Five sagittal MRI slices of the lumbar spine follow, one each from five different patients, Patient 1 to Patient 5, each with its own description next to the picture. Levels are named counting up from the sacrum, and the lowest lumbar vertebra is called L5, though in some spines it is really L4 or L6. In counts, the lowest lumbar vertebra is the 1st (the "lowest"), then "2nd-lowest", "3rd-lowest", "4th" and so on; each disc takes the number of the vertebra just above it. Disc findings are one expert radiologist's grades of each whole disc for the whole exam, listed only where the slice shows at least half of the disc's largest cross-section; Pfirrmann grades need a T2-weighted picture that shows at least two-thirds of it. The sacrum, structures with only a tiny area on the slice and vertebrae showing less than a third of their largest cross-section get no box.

Patient 1 of 5:
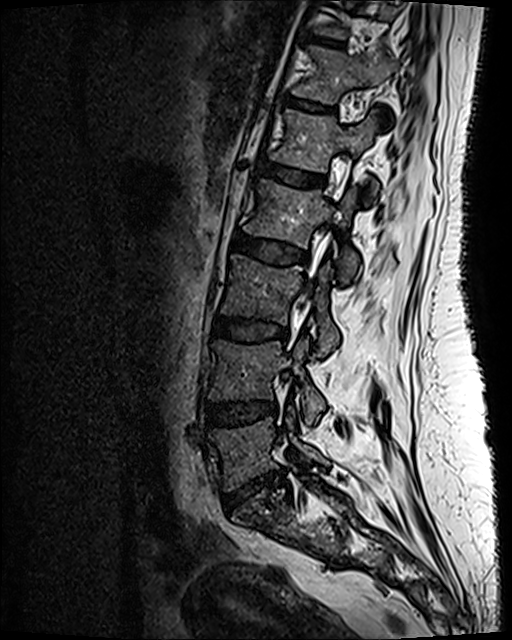 Patient sex: F; 512x640 px; Sagittal slice index 74; T2 SPACE (3D) sagittal MRI of the lumbar spine
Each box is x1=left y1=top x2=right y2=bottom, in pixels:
L1 = x1=271 y1=110 x2=378 y2=193.
L5 = x1=209 y1=409 x2=329 y2=490.
L2/L3 = x1=232 y1=233 x2=302 y2=263.
L2 = x1=244 y1=180 x2=360 y2=279.
L3/L4 = x1=213 y1=317 x2=286 y2=340.
Intervertebral disc L4/L5 = x1=208 y1=402 x2=275 y2=425.
L1/L2 = x1=258 y1=161 x2=324 y2=186.
T11/T12 = x1=312 y1=36 x2=344 y2=47.
T12 vertebra = x1=292 y1=47 x2=397 y2=103.
L3 = x1=222 y1=255 x2=338 y2=356.
T12/L1 = x1=287 y1=97 x2=334 y2=113.
L4 vertebra = x1=209 y1=340 x2=324 y2=425.
Intervertebral disc L5/S1 = x1=237 y1=472 x2=283 y2=498.

Radiological gradings:
- L2/L3: Pfirrmann grade 3, disc bulging
- L1/L2: Pfirrmann grade 2
- L4/L5: Pfirrmann grade 3, disc bulging
- L3/L4: Pfirrmann grade 3

Patient 2 of 5:
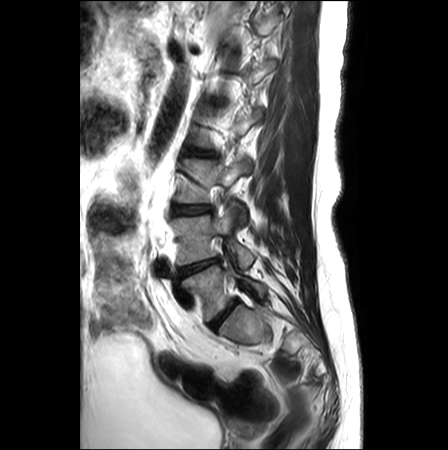 Lumbar spine MR, T2-weighted, sagittal, Slice 19/26

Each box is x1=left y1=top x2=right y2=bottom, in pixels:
Annotations:
• lowest disc = x1=209 y1=301 x2=237 y2=328
• 2nd-lowest vertebra = x1=172 y1=203 x2=254 y2=267
• 3rd-lowest vertebra = x1=177 y1=158 x2=249 y2=224
• 2nd-lowest disc = x1=179 y1=259 x2=218 y2=277
• 3rd-lowest disc = x1=173 y1=205 x2=210 y2=214
• lowest vertebra = x1=182 y1=263 x2=271 y2=321
• 4th disc = x1=190 y1=150 x2=212 y2=155

Per-level radiological findings:
- 2nd-lowest disc: disc herniation, Modic type II, disc narrowing, lower-endplate change, upper-endplate change

Patient 3 of 5:
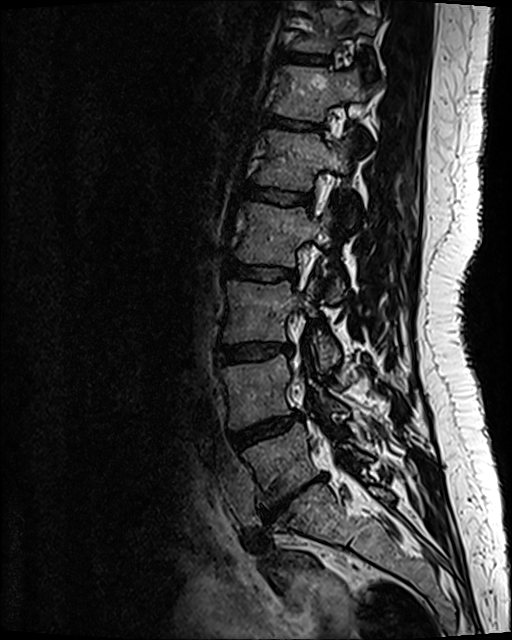
Sagittal T2 SPACE (3D) lumbar spine MRI

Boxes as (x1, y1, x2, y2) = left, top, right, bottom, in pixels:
Disc T12/L1 (6th disc) at (263, 114, 319, 129), T11 (7th vertebra) at (294, 9, 376, 51), T11/T12 (7th disc) at (280, 51, 328, 62), disc L5/S1 (lowest disc) at (262, 474, 325, 519), L3 (3rd-lowest vertebra) at (224, 281, 338, 368), L2/L3 (4th disc) at (227, 260, 296, 281), disc L4/L5 (2nd-lowest disc) at (228, 412, 299, 447), L2 (4th vertebra) at (236, 204, 343, 299), L5 (lowest vertebra) at (244, 424, 371, 505), L1 (5th vertebra) at (255, 131, 349, 189), T12 (6th vertebra) at (274, 66, 368, 120), L1/L2 (5th disc) at (242, 184, 312, 206), L3/L4 (3rd-lowest disc) at (216, 344, 292, 363), L4 (2nd-lowest vertebra) at (222, 355, 345, 426).

Per-level radiological findings:
• L4/L5 (2nd-lowest disc): Pfirrmann grade 3, disc bulging
• L2/L3 (4th disc): Pfirrmann grade 2
• T12/L1 (6th disc): Pfirrmann grade 2
• L1/L2 (5th disc): Pfirrmann grade 2
• L3/L4 (3rd-lowest disc): Pfirrmann grade 2, disc bulging
• T11/T12 (7th disc): no Modic or endplate change, herniation, narrowing, bulging or spondylolisthesis recorded

Patient 4 of 5:
Sagittal slice index 11. Image 392x395. Lumbar spine MR, T2-weighted, sagittal.
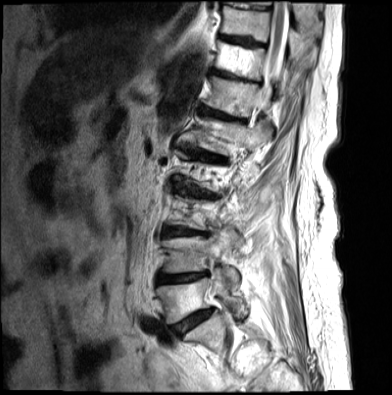

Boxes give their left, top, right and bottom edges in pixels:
- L3/L4: left=167, top=230, right=203, bottom=236
- L2/L3: left=180, top=187, right=209, bottom=197
- L5 vertebra: left=156, top=267, right=233, bottom=324
- T9/T10: left=229, top=2, right=269, bottom=9
- intervertebral disc T10/T11: left=219, top=34, right=265, bottom=47
- L5/S1: left=170, top=309, right=210, bottom=338
- intervertebral disc L1/L2: left=181, top=147, right=221, bottom=159
- L4 vertebra: left=162, top=237, right=238, bottom=283
- intervertebral disc T12/L1: left=199, top=106, right=242, bottom=122
- T11/T12: left=212, top=70, right=258, bottom=83
- thecal sac / spinal canal: left=260, top=0, right=288, bottom=97
- L1: left=190, top=117, right=270, bottom=154
- T12 vertebra: left=205, top=76, right=270, bottom=116
- T11 vertebra: left=215, top=40, right=285, bottom=96
- T10: left=221, top=6, right=298, bottom=48
- intervertebral disc L4/L5: left=156, top=273, right=206, bottom=284

Radiological gradings:
  T9/T10: Pfirrmann grade 2
  L5/S1: Pfirrmann grade 3, disc narrowing, spondylolisthesis, Modic type II, disc bulging
  L4/L5: Pfirrmann grade 5, disc bulging, upper-endplate change, Modic type II, disc narrowing, lower-endplate change
  T12/L1: Pfirrmann grade 4, lower-endplate change, upper-endplate change, Modic type II, disc narrowing, disc bulging
  T10/T11: Pfirrmann grade 4, Modic type II
  L3/L4: lower-endplate change, disc bulging, disc narrowing, Modic type II, upper-endplate change
  T11/T12: Pfirrmann grade 4, disc narrowing, disc bulging, Modic type II

Patient 5 of 5:
Image 512x512. MRI lumbar spine (T1-weighted), sagittal plane. Slice 6 of 17. Field of view 300x300 mm.
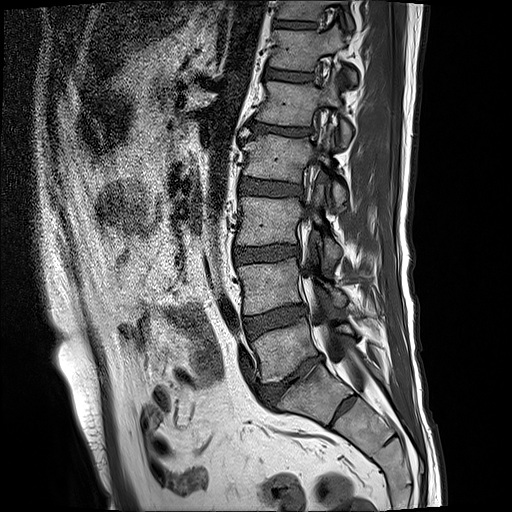

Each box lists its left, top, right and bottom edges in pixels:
2nd-lowest vertebra: left=238, top=258, right=345, bottom=315 | lowest disc: left=257, top=356, right=322, bottom=407 | lowest vertebra: left=252, top=318, right=353, bottom=383 | 6th disc: left=264, top=65, right=313, bottom=81 | 5th vertebra: left=256, top=73, right=352, bottom=145 | 7th vertebra: left=277, top=0, right=353, bottom=29 | 3rd-lowest disc: left=233, top=246, right=300, bottom=262 | spinal canal: left=303, top=104, right=373, bottom=393 | 6th vertebra: left=269, top=26, right=357, bottom=85 | 5th disc: left=248, top=121, right=311, bottom=137 | 4th vertebra: left=243, top=130, right=347, bottom=205 | 2nd-lowest disc: left=245, top=305, right=305, bottom=336 | 3rd-lowest vertebra: left=237, top=186, right=341, bottom=261 | 7th disc: left=273, top=21, right=316, bottom=29 | 4th disc: left=240, top=179, right=302, bottom=197

Per-level radiological findings:
  7th disc: lower-endplate change, upper-endplate change
  5th disc: upper-endplate change, disc narrowing, Modic type II, lower-endplate change, disc bulging
  lowest disc: Modic type II, upper-endplate change, lower-endplate change, disc narrowing, disc bulging
  3rd-lowest disc: disc bulging, lower-endplate change, upper-endplate change
  2nd-lowest disc: Modic type II
  6th disc, 4th disc: no Modic or endplate change, herniation, narrowing, bulging or spondylolisthesis recorded